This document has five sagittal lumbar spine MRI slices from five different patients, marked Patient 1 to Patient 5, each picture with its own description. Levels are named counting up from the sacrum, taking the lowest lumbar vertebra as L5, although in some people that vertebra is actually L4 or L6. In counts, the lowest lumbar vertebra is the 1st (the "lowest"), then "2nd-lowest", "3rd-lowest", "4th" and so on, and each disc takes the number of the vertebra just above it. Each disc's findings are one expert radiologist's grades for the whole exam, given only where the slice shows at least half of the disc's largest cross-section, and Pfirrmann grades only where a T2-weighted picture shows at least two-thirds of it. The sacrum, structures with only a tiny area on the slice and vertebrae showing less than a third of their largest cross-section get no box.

Patient 1 of 5:
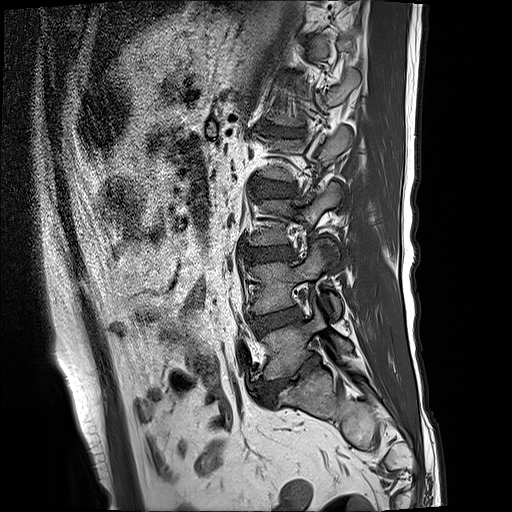
MRI lumbar spine (T1-weighted), sagittal plane

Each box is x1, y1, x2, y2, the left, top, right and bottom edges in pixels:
Annotations:
* L2 vertebra: 258, 126, 352, 181
* disc L5/S1: 261, 357, 319, 401
* L4 vertebra: 247, 241, 341, 317
* disc L2/L3: 252, 179, 295, 197
* L3/L4: 242, 247, 296, 265
* L4/L5: 251, 308, 301, 333
* L5: 260, 306, 352, 381
* L3: 247, 182, 341, 246
* disc L1/L2: 259, 125, 304, 137

Radiological gradings:
  L3/L4: lower-endplate change, disc bulging, upper-endplate change
  L4/L5: Modic type II
  L1/L2: Modic type II, disc narrowing, lower-endplate change, disc bulging, upper-endplate change
  L5/S1: lower-endplate change, disc bulging, disc narrowing, Modic type II, upper-endplate change
  L2/L3: no herniation, bulging, narrowing, spondylolisthesis, endplate or Modic change recorded

Patient 2 of 5:
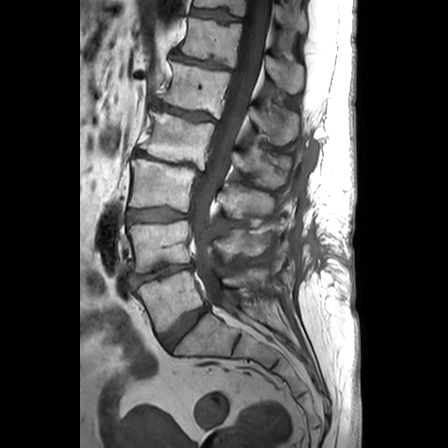 Sagittal T1-weighted lumbar spine MRI. Patient sex: F. 448x448 px. Slice 13/24.
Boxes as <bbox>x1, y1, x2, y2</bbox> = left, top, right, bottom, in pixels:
L4 (2nd-lowest vertebra): <bbox>128, 220, 267, 272</bbox>
T12/L1 (6th disc): <bbox>171, 53, 225, 68</bbox>
L2 (4th vertebra): <bbox>140, 111, 290, 187</bbox>
spinal canal: <bbox>192, 0, 268, 303</bbox>
T12 (6th vertebra): <bbox>178, 17, 303, 93</bbox>
intervertebral disc L3/L4 (3rd-lowest disc): <bbox>128, 208, 189, 223</bbox>
intervertebral disc L1/L2 (5th disc): <bbox>154, 102, 212, 120</bbox>
intervertebral disc T11/T12 (7th disc): <bbox>191, 8, 238, 21</bbox>
T11 (7th vertebra): <bbox>194, 0, 307, 32</bbox>
L1 (5th vertebra): <bbox>161, 61, 298, 144</bbox>
intervertebral disc L4/L5 (2nd-lowest disc): <bbox>131, 263, 192, 286</bbox>
L5/S1 (lowest disc): <bbox>159, 306, 208, 349</bbox>
L2/L3 (4th disc): <bbox>134, 150, 203, 176</bbox>
L3 (3rd-lowest vertebra): <bbox>128, 159, 274, 218</bbox>
L5 (lowest vertebra): <bbox>136, 270, 266, 332</bbox>

Radiological gradings:
- L1/L2 (5th disc): Modic type II, disc narrowing
- L3/L4 (3rd-lowest disc): disc bulging
- L5/S1 (lowest disc): disc bulging
- T12/L1 (6th disc): disc narrowing
- L4/L5 (2nd-lowest disc): disc narrowing, disc bulging
- T11/T12 (7th disc): no spondylolisthesis, narrowing, bulging, herniation, Modic or endplate change recorded

Patient 3 of 5:
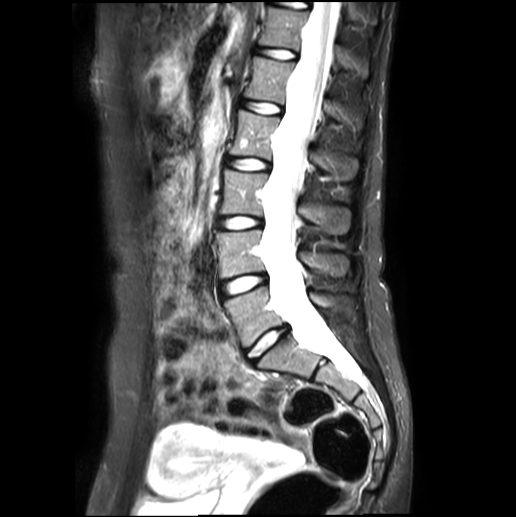
Sagittal slice index 7 | T2-weighted sagittal MRI of the lumbar spine
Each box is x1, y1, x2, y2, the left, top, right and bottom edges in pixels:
L5 vertebra — 224, 287, 337, 349.
IVD L5/S1 — 247, 328, 287, 361.
L3 — 220, 170, 350, 234.
IVD L3/L4 — 216, 216, 262, 230.
T12 — 259, 7, 366, 74.
L4 vertebra — 215, 230, 347, 279.
L2 — 231, 110, 357, 180.
L1 — 244, 56, 337, 118.
IVD L2/L3 — 225, 157, 270, 170.
IVD L1/L2 — 239, 98, 283, 114.
T12/L1 — 254, 47, 297, 59.
IVD L4/L5 — 219, 275, 266, 297.
Thecal sac / spinal canal — 263, 2, 354, 374.

Degenerative findings by level:
- L4/L5: Pfirrmann grade 1
- T12/L1: Pfirrmann grade 1
- L3/L4: Pfirrmann grade 1
- L1/L2: Pfirrmann grade 1
- L2/L3: Pfirrmann grade 1
- L5/S1: Pfirrmann grade 1

Patient 4 of 5:
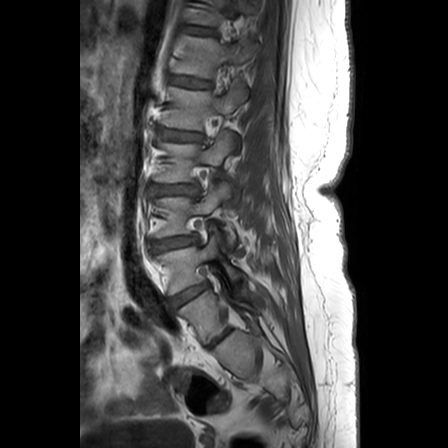

MRI lumbar spine (T1-weighted), sagittal plane. 448x448 px. Slice 8 of 24. Patient sex: F. Slice spacing 3.3 mm.
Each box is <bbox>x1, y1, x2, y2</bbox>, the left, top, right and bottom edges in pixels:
{"IVD L2/L3": "<bbox>157, 185, 196, 194</bbox>", "L5/S1": "<bbox>209, 327, 232, 347</bbox>", "T12": "<bbox>173, 37, 257, 78</bbox>", "L5": "<bbox>180, 275, 260, 342</bbox>", "IVD L3/L4": "<bbox>154, 236, 197, 249</bbox>", "L2 vertebra": "<bbox>155, 131, 237, 182</bbox>", "L4 vertebra": "<bbox>156, 228, 252, 300</bbox>", "L1 vertebra": "<bbox>161, 84, 246, 130</bbox>", "IVD L4/L5": "<bbox>170, 284, 204, 307</bbox>", "L3": "<bbox>158, 183, 236, 247</bbox>", "IVD T12/L1": "<bbox>170, 76, 210, 87</bbox>", "IVD T11/T12": "<bbox>191, 28, 213, 35</bbox>", "L1/L2": "<bbox>158, 128, 201, 140</bbox>"}

Expert MSK radiologist gradings (per disc):
  L4/L5: disc narrowing, disc bulging
  L2/L3: upper-endplate change, lower-endplate change, disc bulging
  T12/L1: lower-endplate change, upper-endplate change
  L3/L4: lower-endplate change, upper-endplate change, disc bulging
  L1/L2: lower-endplate change, disc bulging, upper-endplate change

Patient 5 of 5:
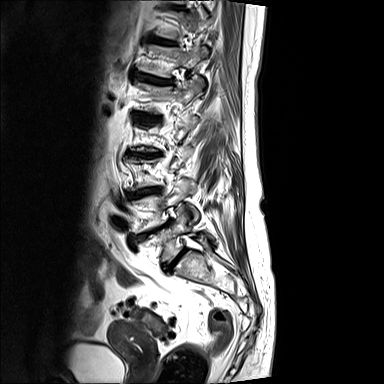

Lumbar spine MR, T2-weighted, sagittal. Slice 13/15.
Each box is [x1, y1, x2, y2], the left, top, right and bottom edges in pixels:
{"lowest vertebra": "[140, 205, 211, 262]", "6th disc": "[133, 71, 174, 84]", "4th disc": "[131, 153, 159, 156]", "lowest disc": "[165, 250, 186, 270]", "7th vertebra": "[155, 9, 212, 41]", "7th disc": "[151, 36, 177, 44]", "5th disc": "[135, 112, 157, 120]", "3rd-lowest disc": "[129, 188, 160, 197]", "5th vertebra": "[135, 75, 203, 113]", "2nd-lowest disc": "[136, 221, 171, 239]", "2nd-lowest vertebra": "[135, 178, 199, 233]", "8th disc": "[170, 5, 183, 9]", "6th vertebra": "[138, 45, 208, 77]"}

Expert MSK radiologist gradings (per disc):
- 2nd-lowest disc: Modic type II, lower-endplate change, disc bulging, disc narrowing, upper-endplate change
- 3rd-lowest disc: disc bulging, disc narrowing, lower-endplate change, Modic type II, upper-endplate change
- 6th disc: Pfirrmann grade 5, upper-endplate change, disc bulging, Modic type II, disc narrowing, lower-endplate change